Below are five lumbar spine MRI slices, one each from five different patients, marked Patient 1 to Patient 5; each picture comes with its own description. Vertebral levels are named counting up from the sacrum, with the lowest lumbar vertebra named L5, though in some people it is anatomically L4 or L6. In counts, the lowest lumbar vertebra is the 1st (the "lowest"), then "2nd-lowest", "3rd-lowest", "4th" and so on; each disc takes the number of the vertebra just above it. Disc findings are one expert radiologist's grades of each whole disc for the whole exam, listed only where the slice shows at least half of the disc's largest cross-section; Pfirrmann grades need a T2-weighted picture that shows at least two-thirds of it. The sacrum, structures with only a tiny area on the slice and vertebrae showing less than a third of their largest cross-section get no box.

Patient 1 of 5:
1092x1095 px. Patient sex: F. MRI lumbar spine (T2-weighted), sagittal plane.
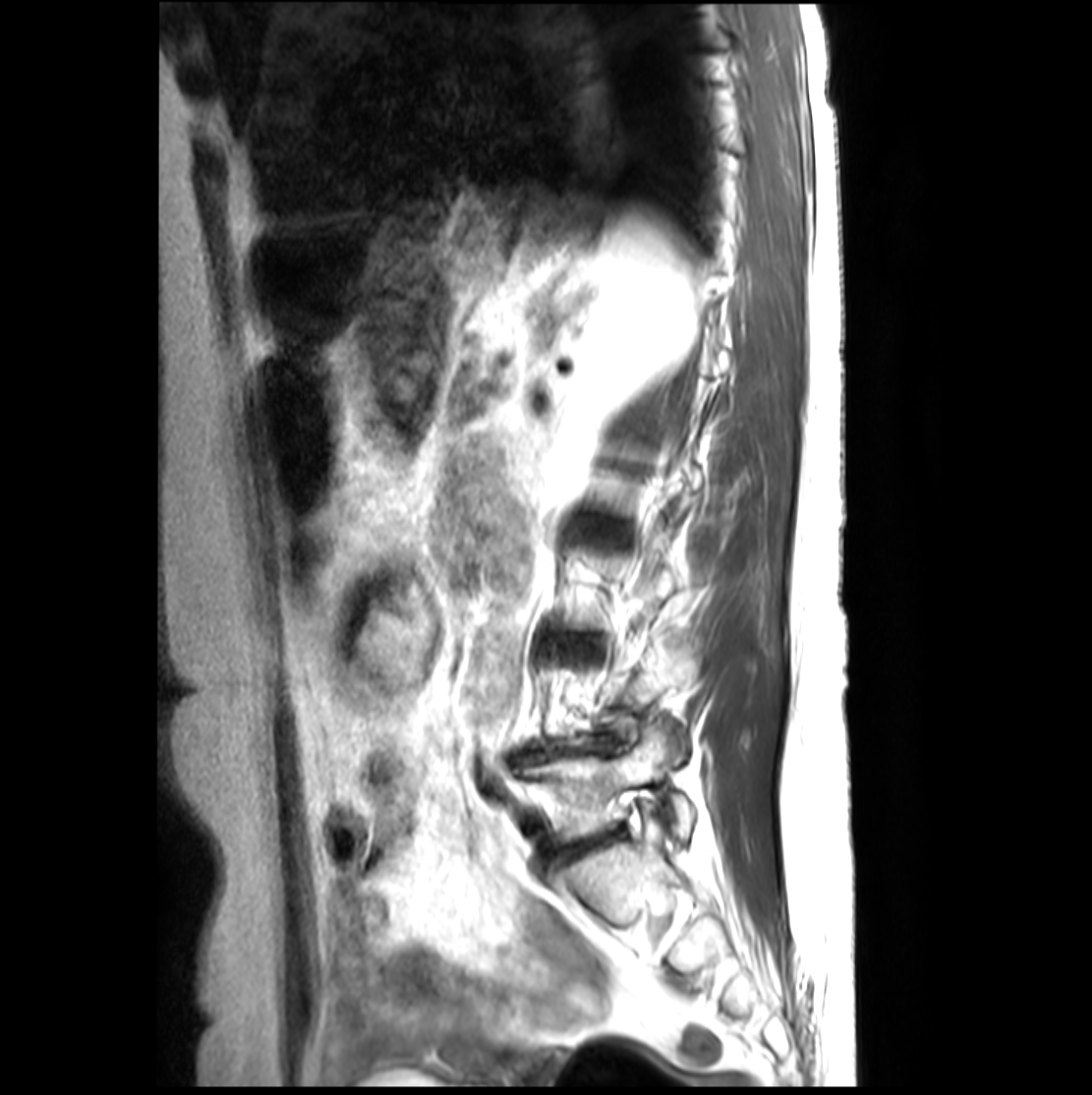

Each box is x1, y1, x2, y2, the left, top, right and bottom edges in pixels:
L5 vertebra: 523, 721, 695, 841.
L4/L5: 522, 747, 577, 760.
L5/S1: 563, 835, 612, 859.

Patient 2 of 5:
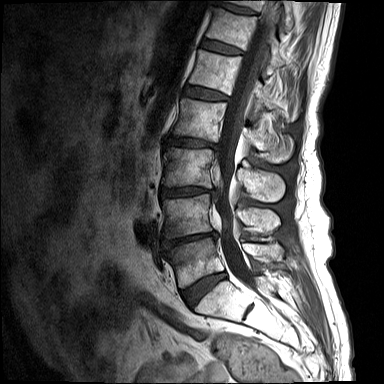 Sagittal T1-weighted lumbar spine MRI; Slice spacing 4.4 mm; Sex M; Image 384x384; Slice 8 of 15
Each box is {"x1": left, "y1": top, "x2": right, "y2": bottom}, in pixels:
L5 vertebra at {"x1": 168, "y1": 237, "x2": 283, "y2": 287}, L1 vertebra at {"x1": 189, "y1": 49, "x2": 298, "y2": 122}, L2 at {"x1": 173, "y1": 98, "x2": 293, "y2": 163}, T11 vertebra at {"x1": 227, "y1": 0, "x2": 294, "y2": 31}, intervertebral disc L5/S1 at {"x1": 182, "y1": 272, "x2": 226, "y2": 307}, spinal canal at {"x1": 214, "y1": 0, "x2": 279, "y2": 288}, intervertebral disc T12/L1 at {"x1": 201, "y1": 39, "x2": 243, "y2": 55}, T12 vertebra at {"x1": 206, "y1": 7, "x2": 285, "y2": 74}, T11/T12 at {"x1": 214, "y1": 0, "x2": 258, "y2": 15}, L4 vertebra at {"x1": 163, "y1": 194, "x2": 279, "y2": 238}, L4/L5 at {"x1": 163, "y1": 232, "x2": 217, "y2": 251}, L3/L4 at {"x1": 161, "y1": 187, "x2": 214, "y2": 196}, L2/L3 at {"x1": 166, "y1": 137, "x2": 219, "y2": 149}, L1/L2 at {"x1": 184, "y1": 85, "x2": 228, "y2": 100}, L3 vertebra at {"x1": 162, "y1": 147, "x2": 284, "y2": 202}.

Expert MSK radiologist gradings (per disc):
- T11/T12: upper-endplate change, lower-endplate change
- L4/L5: lower-endplate change, disc bulging, disc narrowing, upper-endplate change, Modic type I
- L2/L3: upper-endplate change, disc narrowing, disc bulging, lower-endplate change, Modic type II
- L3/L4: upper-endplate change, disc bulging, lower-endplate change, disc narrowing, disc herniation, Modic type II
- L5/S1: disc bulging, Modic type II
- L1/L2, T12/L1: no spondylolisthesis, narrowing, bulging, herniation, Modic or endplate change recorded

Patient 3 of 5:
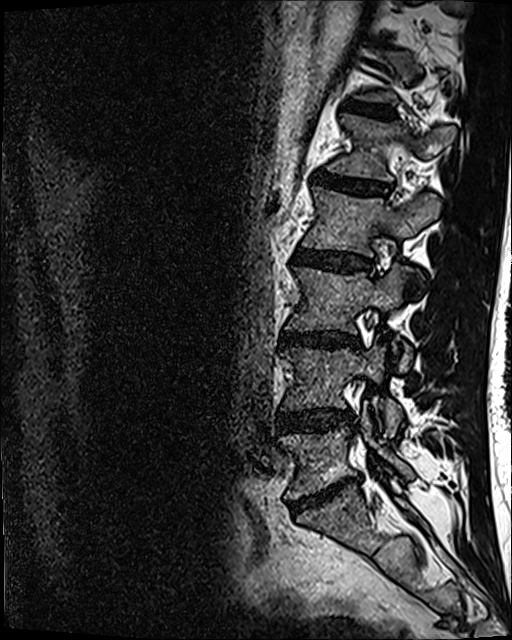 Sagittal slice index 82. T2 SPACE (3D) sagittal MRI of the lumbar spine. Field of view 240x300 mm, slice spacing 0.9 mm.
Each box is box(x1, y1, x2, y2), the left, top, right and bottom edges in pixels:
2nd-lowest disc at box(277, 409, 349, 431); 4th vertebra at box(303, 187, 440, 255); 3rd-lowest disc at box(281, 331, 359, 346); 4th disc at box(294, 249, 371, 272); 6th disc at box(347, 103, 395, 118); 3rd-lowest vertebra at box(287, 266, 411, 371); 2nd-lowest vertebra at box(283, 346, 402, 436); lowest disc at box(290, 477, 358, 513); 5th vertebra at box(329, 114, 456, 181); 5th disc at box(315, 171, 389, 195); lowest vertebra at box(278, 407, 413, 499).

Expert MSK radiologist gradings (per disc):
  2nd-lowest disc: Pfirrmann grade 3, disc bulging, disc narrowing
  3rd-lowest disc: Pfirrmann grade 4, disc narrowing, lower-endplate change, disc bulging
  4th disc: Pfirrmann grade 3, disc bulging
  5th disc: Pfirrmann grade 4
  lowest disc: disc bulging, Modic type II, disc narrowing
  6th disc: no spondylolisthesis, narrowing, bulging, herniation, Modic or endplate change recorded

Patient 4 of 5:
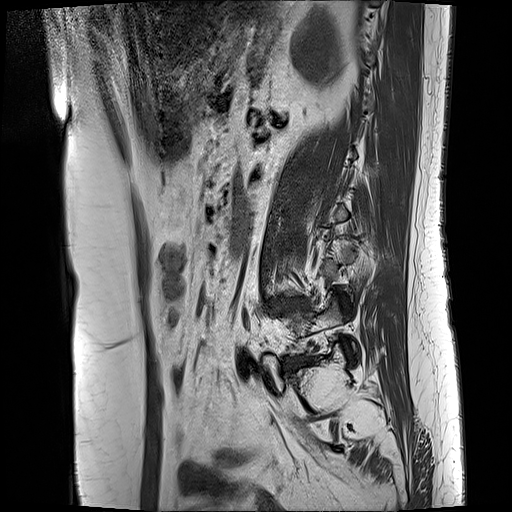

Patient sex: F | Slice 2 of 17 | Sagittal T1-weighted lumbar spine MRI | Image 512x512

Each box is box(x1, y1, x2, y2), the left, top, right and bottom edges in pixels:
lowest vertebra: box(288, 299, 355, 354)
2nd-lowest disc: box(275, 298, 308, 309)
lowest disc: box(288, 355, 314, 365)

Patient 5 of 5:
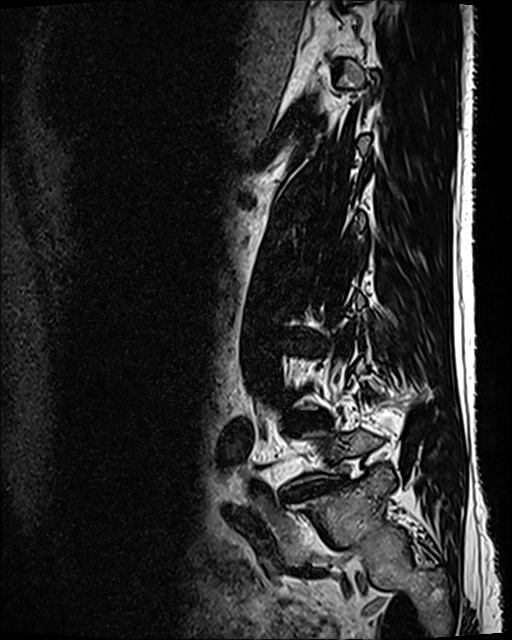 Lumbar spine MR, T2 SPACE (3D), sagittal.
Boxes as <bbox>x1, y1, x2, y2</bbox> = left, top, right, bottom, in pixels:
Intervertebral disc L4/L5: <bbox>307, 415, 325, 424</bbox>.
L5/S1: <bbox>292, 481, 342, 497</bbox>.